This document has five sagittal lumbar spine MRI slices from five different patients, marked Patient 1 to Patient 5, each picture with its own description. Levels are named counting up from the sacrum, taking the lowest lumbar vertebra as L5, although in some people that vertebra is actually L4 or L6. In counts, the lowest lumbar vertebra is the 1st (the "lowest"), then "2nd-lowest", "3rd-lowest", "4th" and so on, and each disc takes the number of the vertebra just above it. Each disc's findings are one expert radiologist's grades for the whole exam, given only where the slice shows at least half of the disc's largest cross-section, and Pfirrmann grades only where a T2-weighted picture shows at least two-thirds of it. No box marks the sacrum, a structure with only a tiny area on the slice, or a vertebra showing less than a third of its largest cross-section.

Patient 1 of 5:
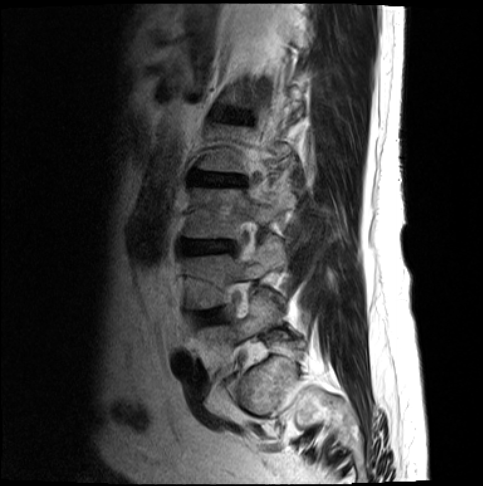

Slice 13/17; Lumbar spine MR, T2-weighted, sagittal

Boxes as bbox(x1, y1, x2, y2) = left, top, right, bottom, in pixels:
intervertebral disc L2/L3: bbox(191, 173, 242, 186)
L3 vertebra: bbox(183, 188, 293, 237)
L4 vertebra: bbox(185, 238, 284, 308)
L3/L4: bbox(181, 242, 233, 252)
L5: bbox(205, 289, 278, 341)
L4/L5: bbox(199, 311, 218, 322)

Expert MSK radiologist gradings (per disc):
  L2/L3: Pfirrmann grade 4, disc bulging
  L3/L4: Pfirrmann grade 4, disc bulging, disc narrowing

Patient 2 of 5:
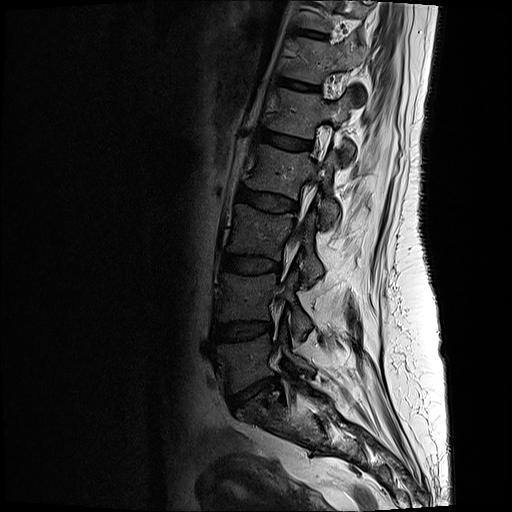 Image 512x512; Sagittal T2-weighted lumbar spine MRI; Sex F; Slice 13/17

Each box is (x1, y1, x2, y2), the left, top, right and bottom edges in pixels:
Disc L1/L2: (258, 129, 310, 149).
Disc L5/S1: (241, 378, 277, 398).
L3: (229, 204, 321, 285).
T11/T12: (301, 29, 326, 37).
L5 vertebra: (218, 327, 314, 392).
L4/L5: (218, 322, 271, 340).
L4 vertebra: (218, 272, 310, 340).
Disc L2/L3: (237, 187, 293, 210).
Disc T12/L1: (281, 78, 318, 90).
Disc L3/L4: (222, 254, 280, 272).
T12: (285, 38, 369, 82).
L1 vertebra: (268, 88, 353, 154).
L2 vertebra: (246, 144, 339, 223).

Degenerative findings by level:
• L4/L5: Pfirrmann grade 3, disc bulging
• L1/L2: Pfirrmann grade 2
• L3/L4: Pfirrmann grade 3
• L2/L3: Pfirrmann grade 3, disc bulging

Patient 3 of 5:
Lumbar spine MR, T2-weighted, sagittal; Sagittal slice index 18 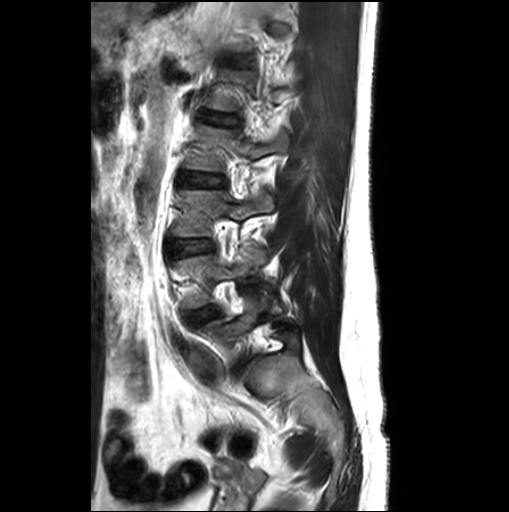
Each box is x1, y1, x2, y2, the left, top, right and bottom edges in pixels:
4th vertebra — 185, 125, 288, 171.
4th disc — 176, 172, 225, 187.
2nd-lowest vertebra — 176, 248, 266, 308.
3rd-lowest vertebra — 173, 190, 273, 236.
Lowest disc — 233, 357, 247, 373.
2nd-lowest disc — 188, 306, 217, 325.
3rd-lowest disc — 168, 239, 212, 257.
5th disc — 201, 113, 237, 127.
Lowest vertebra — 200, 299, 297, 366.

Per-level radiological findings:
  4th disc: Pfirrmann grade 1
  5th disc: Pfirrmann grade 1
  3rd-lowest disc: disc bulging

Patient 4 of 5:
Sagittal T2-weighted lumbar spine MRI; SIEMENS Avanto_fit (1.5T); 384x384 px

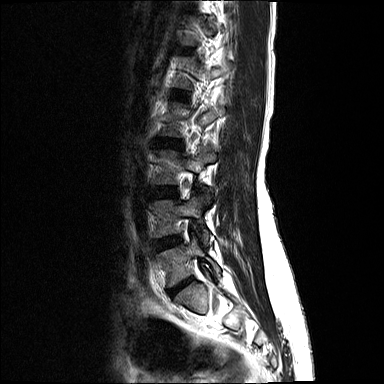
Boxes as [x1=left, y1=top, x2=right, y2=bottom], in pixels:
2nd-lowest disc: [x1=153, y1=237, x2=178, y2=249]
lowest disc: [x1=170, y1=279, x2=191, y2=294]
3rd-lowest vertebra: [x1=153, y1=146, x2=215, y2=192]
lowest vertebra: [x1=157, y1=236, x2=220, y2=286]
3rd-lowest disc: [x1=150, y1=187, x2=176, y2=198]
4th disc: [x1=157, y1=138, x2=181, y2=148]
5th disc: [x1=173, y1=91, x2=184, y2=98]
2nd-lowest vertebra: [x1=149, y1=194, x2=209, y2=244]

Patient 5 of 5:
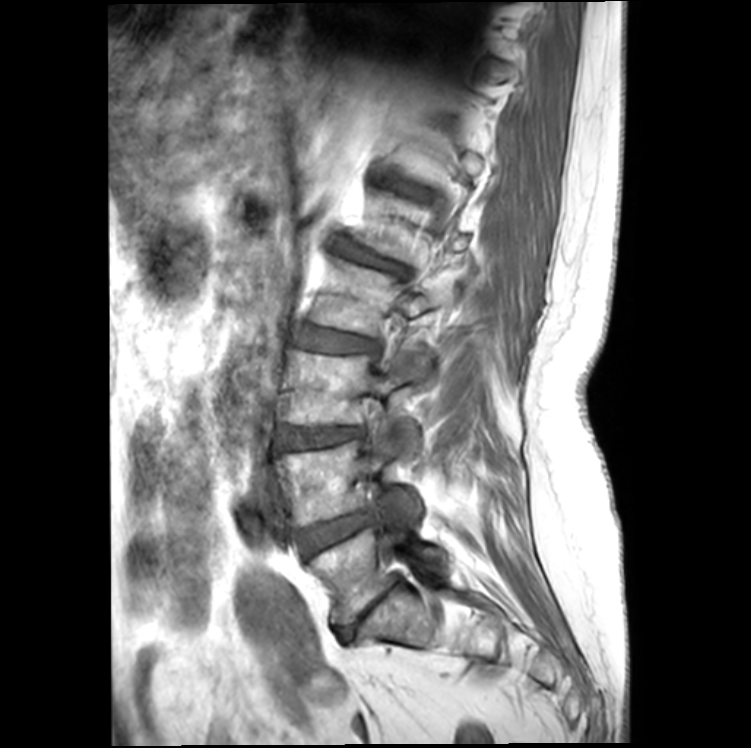 Sagittal T1-weighted lumbar spine MRI
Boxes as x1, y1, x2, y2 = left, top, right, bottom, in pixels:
L3/L4 (3rd-lowest disc): 278, 426, 363, 451.
Disc L1/L2 (5th disc): 341, 246, 407, 273.
L5/S1 (lowest disc): 336, 583, 398, 640.
L3 (3rd-lowest vertebra): 284, 349, 430, 443.
L5 (lowest vertebra): 310, 527, 443, 624.
Disc L2/L3 (4th disc): 295, 325, 376, 352.
L4 (2nd-lowest vertebra): 279, 430, 423, 526.
L2 (4th vertebra): 310, 259, 433, 335.
Disc L4/L5 (2nd-lowest disc): 295, 511, 373, 556.

Radiological gradings:
• L3/L4 (3rd-lowest disc): Modic type II, disc bulging, disc narrowing
• L4/L5 (2nd-lowest disc): disc bulging, Modic type II
• L1/L2 (5th disc): upper-endplate change, lower-endplate change, disc narrowing, Modic type II, spondylolisthesis, disc bulging
• L2/L3 (4th disc): disc bulging, Modic type II